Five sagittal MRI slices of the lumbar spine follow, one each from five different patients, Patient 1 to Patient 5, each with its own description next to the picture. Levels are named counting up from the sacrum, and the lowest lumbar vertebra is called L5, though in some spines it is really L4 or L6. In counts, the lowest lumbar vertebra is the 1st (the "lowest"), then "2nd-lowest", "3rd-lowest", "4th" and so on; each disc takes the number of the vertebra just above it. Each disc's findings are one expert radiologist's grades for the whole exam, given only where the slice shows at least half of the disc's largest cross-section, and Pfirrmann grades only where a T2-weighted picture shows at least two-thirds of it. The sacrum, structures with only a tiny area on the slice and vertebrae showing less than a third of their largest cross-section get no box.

Patient 1 of 5:
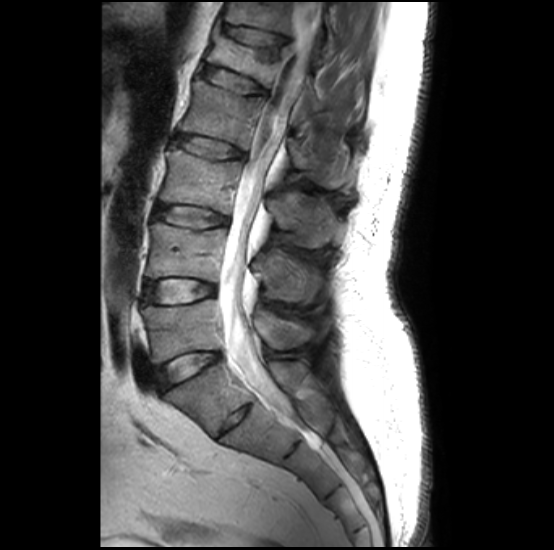

Slice 17/32 | 554x550 px | Sex M | T2-weighted sagittal MRI of the lumbar spine | Field of view 285x283 mm
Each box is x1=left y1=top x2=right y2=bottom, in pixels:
• L4 — x1=146 y1=222 x2=318 y2=301
• disc T12/L1 — x1=222 y1=23 x2=287 y2=45
• L5/S1 — x1=156 y1=353 x2=221 y2=390
• L4/L5 — x1=143 y1=279 x2=214 y2=302
• disc L2/L3 — x1=172 y1=133 x2=245 y2=158
• L1/L2 — x1=201 y1=64 x2=266 y2=94
• T12 vertebra — x1=222 y1=2 x2=336 y2=58
• L2 vertebra — x1=178 y1=78 x2=351 y2=187
• L3 vertebra — x1=160 y1=147 x2=339 y2=247
• L5 vertebra — x1=143 y1=299 x2=310 y2=363
• L3/L4 — x1=156 y1=204 x2=227 y2=228
• thecal sac / spinal canal — x1=219 y1=2 x2=323 y2=387
• L1 vertebra — x1=206 y1=25 x2=320 y2=110

Degenerative findings by level:
- L5/S1: Pfirrmann grade 1
- L1/L2: Pfirrmann grade 2, Modic type II, lower-endplate change, upper-endplate change
- L4/L5: Pfirrmann grade 1, upper-endplate change, lower-endplate change, Modic type II
- T12/L1: Pfirrmann grade 2, upper-endplate change, spondylolisthesis
- L3/L4: Pfirrmann grade 2, Modic type II, upper-endplate change, lower-endplate change
- L2/L3: Pfirrmann grade 2, Modic type II, upper-endplate change, lower-endplate change

Patient 2 of 5:
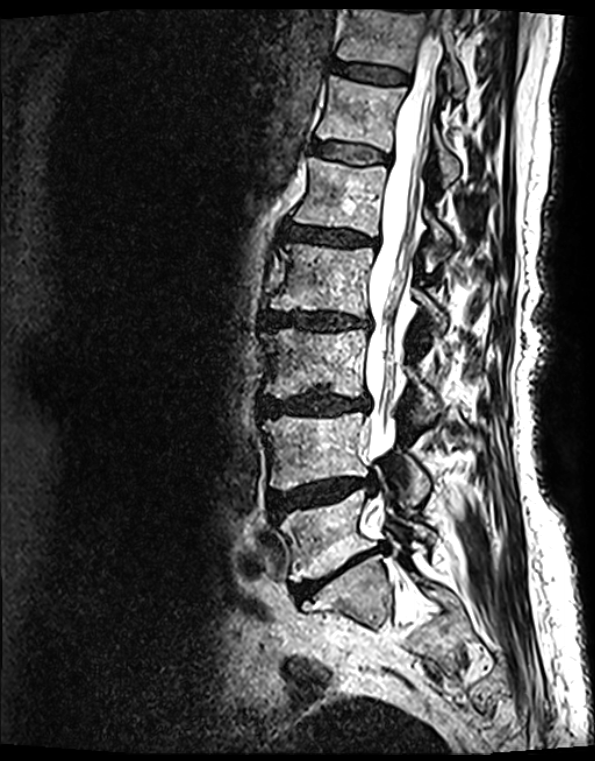

Sagittal T2 SPACE (3D) lumbar spine MRI; Patient sex: F

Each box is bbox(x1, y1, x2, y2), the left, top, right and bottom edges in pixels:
Structures:
* 7th disc = bbox(334, 63, 408, 85)
* thecal sac / spinal canal = bbox(364, 36, 443, 459)
* 6th vertebra = bbox(316, 77, 459, 184)
* 3rd-lowest vertebra = bbox(264, 329, 436, 419)
* 2nd-lowest disc = bbox(269, 479, 375, 516)
* lowest vertebra = bbox(279, 489, 430, 581)
* 2nd-lowest vertebra = bbox(263, 412, 429, 503)
* 4th vertebra = bbox(271, 244, 445, 338)
* 4th disc = bbox(266, 312, 368, 330)
* 5th vertebra = bbox(293, 159, 448, 242)
* 7th vertebra = bbox(337, 10, 466, 100)
* 3rd-lowest disc = bbox(263, 391, 368, 415)
* 5th disc = bbox(288, 227, 370, 245)
* lowest disc = bbox(293, 549, 378, 599)
* 6th disc = bbox(312, 144, 387, 165)

Radiological gradings:
- 6th disc: Pfirrmann grade 2, Modic type II, lower-endplate change, upper-endplate change
- 4th disc: Pfirrmann grade 4, disc narrowing, Modic type II, disc bulging, upper-endplate change, lower-endplate change
- 3rd-lowest disc: Pfirrmann grade 4, Modic type II, upper-endplate change, lower-endplate change, disc narrowing, disc bulging
- 7th disc: Pfirrmann grade 2, Modic type II, lower-endplate change, upper-endplate change
- 5th disc: Pfirrmann grade 4, disc bulging, disc narrowing, upper-endplate change, lower-endplate change, Modic type II
- 2nd-lowest disc: Pfirrmann grade 4, disc bulging, upper-endplate change, disc herniation, Modic type II, lower-endplate change, disc narrowing

Patient 3 of 5:
Slice spacing 3.4 mm; T1-weighted sagittal MRI of the lumbar spine; Slice 19/41
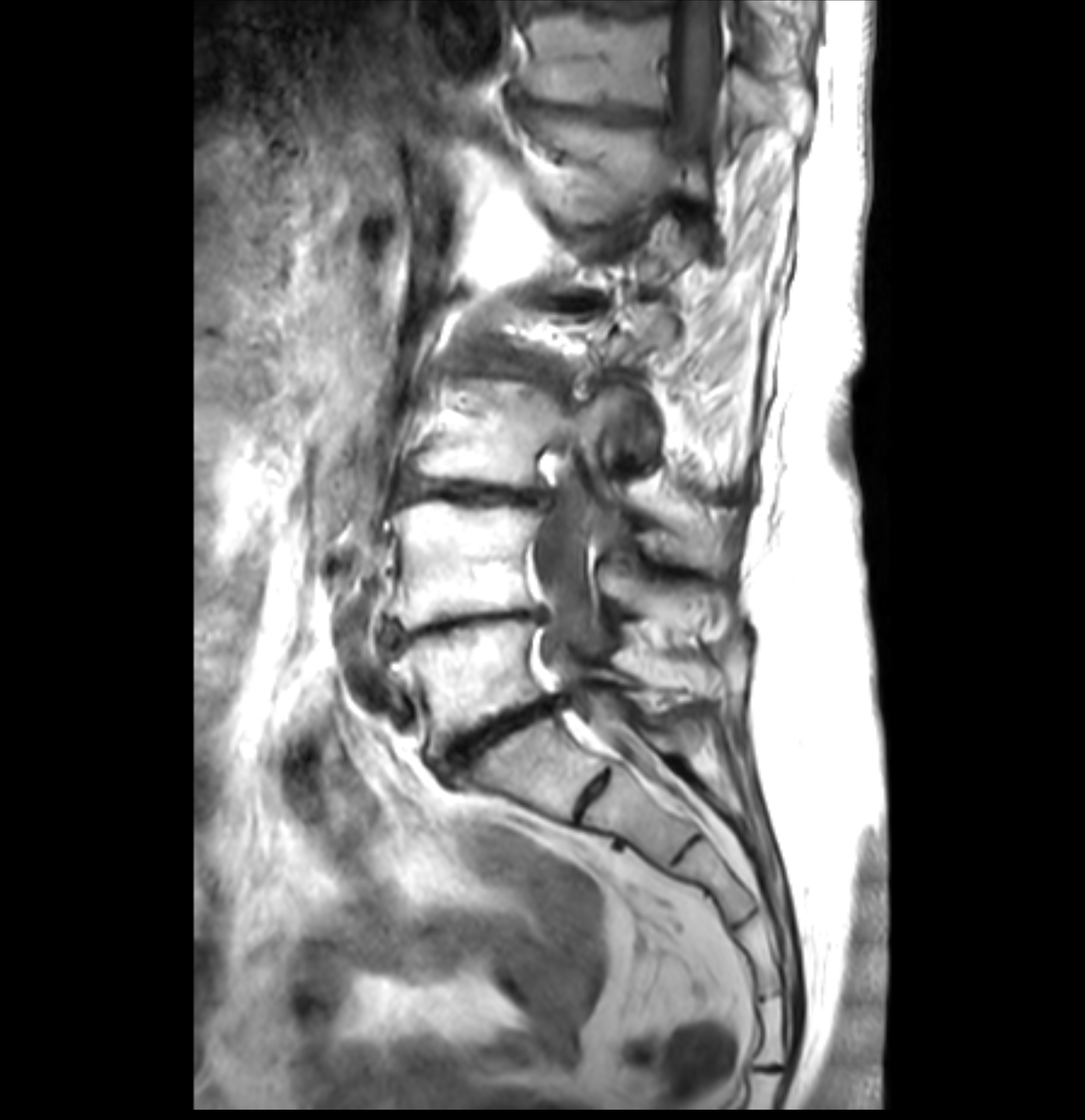

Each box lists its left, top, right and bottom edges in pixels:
Structures:
• L3 vertebra: left=419, top=378, right=728, bottom=569
• L4: left=387, top=500, right=721, bottom=629
• T12: left=526, top=113, right=675, bottom=223
• L5 vertebra: left=390, top=618, right=632, bottom=758
• intervertebral disc L1/L2: left=547, top=298, right=600, bottom=312
• spinal canal: left=535, top=31, right=721, bottom=749
• L5/S1: left=438, top=693, right=571, bottom=774
• T11 vertebra: left=523, top=11, right=772, bottom=149
• intervertebral disc L3/L4: left=405, top=479, right=552, bottom=510
• intervertebral disc L4/L5: left=385, top=609, right=547, bottom=646
• intervertebral disc T11/T12: left=511, top=93, right=668, bottom=126

Per-level radiological findings:
• L3/L4: disc bulging, disc narrowing, lower-endplate change, Modic type II, upper-endplate change
• L5/S1: disc herniation, lower-endplate change, Modic type II, upper-endplate change, disc narrowing, disc bulging
• T11/T12: disc narrowing, upper-endplate change, lower-endplate change, disc bulging, Modic type II

Patient 4 of 5:
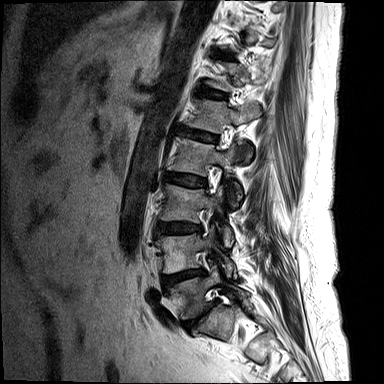

Sagittal T2-weighted lumbar spine MRI; Field of view 280x280 mm

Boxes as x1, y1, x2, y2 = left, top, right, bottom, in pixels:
IVD L1/L2 = 180, 128, 217, 142.
L5 = 168, 266, 248, 319.
L2 = 168, 137, 242, 206.
IVD T11/T12 = 219, 52, 232, 58.
L3/L4 = 155, 223, 202, 235.
L3 vertebra = 160, 184, 233, 246.
T12 vertebra = 206, 59, 272, 91.
L4 = 155, 227, 234, 276.
L1 = 188, 99, 261, 163.
IVD T12/L1 = 198, 87, 227, 99.
IVD L4/L5 = 162, 269, 204, 287.
IVD L5/S1 = 183, 301, 217, 329.
IVD L2/L3 = 165, 173, 206, 186.

Radiological gradings:
- L1/L2: Pfirrmann grade 3, disc bulging
- T12/L1: Pfirrmann grade 2, Modic type II
- L3/L4: Pfirrmann grade 3, disc bulging
- L4/L5: Pfirrmann grade 4, disc narrowing, upper-endplate change, Modic type II, disc bulging, lower-endplate change
- L2/L3: Pfirrmann grade 3, disc bulging

Patient 5 of 5:
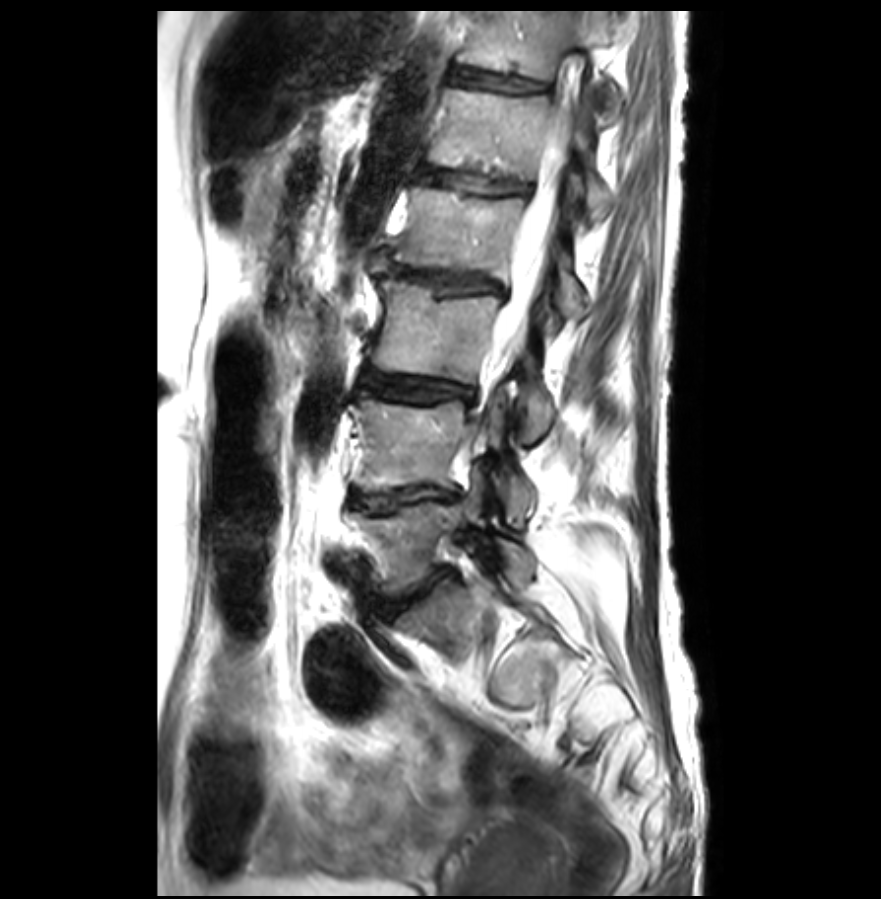
Sagittal T2-weighted lumbar spine MRI.

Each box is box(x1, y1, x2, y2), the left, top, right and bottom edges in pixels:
Structures:
• disc L2/L3: box(370, 251, 503, 294)
• L2: box(393, 187, 589, 318)
• L4 vertebra: box(350, 391, 534, 528)
• disc L4/L5: box(352, 487, 453, 513)
• L5/S1: box(384, 570, 445, 612)
• disc T12/L1: box(452, 69, 550, 92)
• L5 vertebra: box(350, 480, 536, 592)
• spinal canal: box(490, 113, 567, 361)
• L1: box(429, 89, 613, 222)
• disc L1/L2: box(421, 168, 530, 193)
• T12 vertebra: box(458, 11, 621, 122)
• L3: box(370, 278, 554, 442)
• L3/L4: box(364, 370, 471, 401)

Expert MSK radiologist gradings (per disc):
- L2/L3: Pfirrmann grade 5, disc narrowing, upper-endplate change, disc herniation, disc bulging, Modic type II, lower-endplate change
- L3/L4: Pfirrmann grade 3, disc bulging, Modic type II
- L1/L2: Pfirrmann grade 2, upper-endplate change, Modic type II, lower-endplate change
- L4/L5: Pfirrmann grade 5, disc narrowing, disc bulging, Modic type II
- T12/L1: Pfirrmann grade 2, upper-endplate change, lower-endplate change